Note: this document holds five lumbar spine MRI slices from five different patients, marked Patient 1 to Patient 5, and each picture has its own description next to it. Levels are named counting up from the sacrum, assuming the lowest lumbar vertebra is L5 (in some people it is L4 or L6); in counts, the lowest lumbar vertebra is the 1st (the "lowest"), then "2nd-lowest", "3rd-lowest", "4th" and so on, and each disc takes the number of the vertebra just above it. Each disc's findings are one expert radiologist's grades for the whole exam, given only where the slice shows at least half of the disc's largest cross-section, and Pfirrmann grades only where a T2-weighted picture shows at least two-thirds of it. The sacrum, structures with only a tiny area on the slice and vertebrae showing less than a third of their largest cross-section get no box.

Patient 1 of 5:
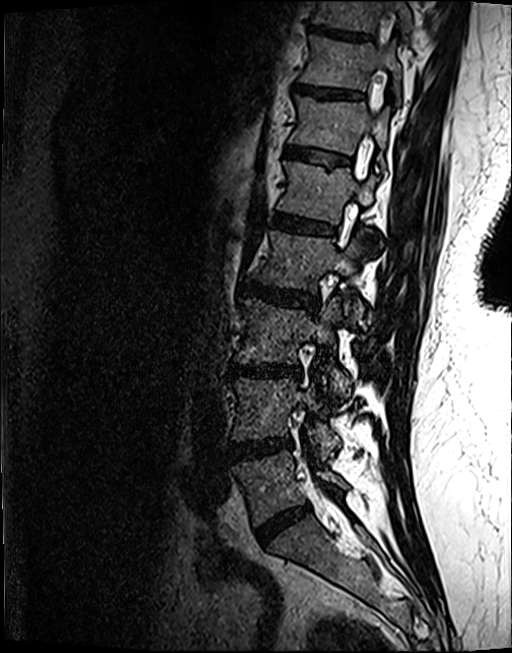 T2 SPACE (3D) sagittal MRI of the lumbar spine

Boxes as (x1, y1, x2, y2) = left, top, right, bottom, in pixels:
- T12 vertebra — (290, 95, 388, 168)
- L1 — (277, 161, 375, 222)
- L2 — (250, 228, 369, 320)
- L3 vertebra — (235, 297, 349, 395)
- T11 — (302, 35, 401, 95)
- L5/S1 — (256, 505, 309, 543)
- L4 vertebra — (231, 378, 339, 457)
- T12/L1 — (285, 146, 349, 163)
- T10 — (312, 0, 412, 32)
- IVD T10/T11 — (309, 24, 369, 40)
- L3/L4 — (230, 362, 300, 377)
- T11/T12 — (295, 84, 362, 97)
- L4/L5 — (229, 438, 291, 460)
- IVD L2/L3 — (241, 280, 318, 309)
- L5 vertebra — (232, 451, 347, 525)
- IVD L1/L2 — (274, 213, 334, 234)

Degenerative findings by level:
- L2/L3: Pfirrmann grade 4, disc bulging, upper-endplate change, lower-endplate change
- T11/T12: Pfirrmann grade 4, upper-endplate change
- L4/L5: Pfirrmann grade 4, lower-endplate change, Modic type II, disc bulging
- L1/L2: Pfirrmann grade 4, upper-endplate change, lower-endplate change, Modic type II
- T12/L1: Pfirrmann grade 3, upper-endplate change, lower-endplate change
- L5/S1: Pfirrmann grade 4, disc bulging, disc narrowing
- L3/L4: Pfirrmann grade 4, disc bulging, lower-endplate change, disc narrowing, upper-endplate change, Modic type II
- T10/T11: Pfirrmann grade 4, upper-endplate change, lower-endplate change

Patient 2 of 5:
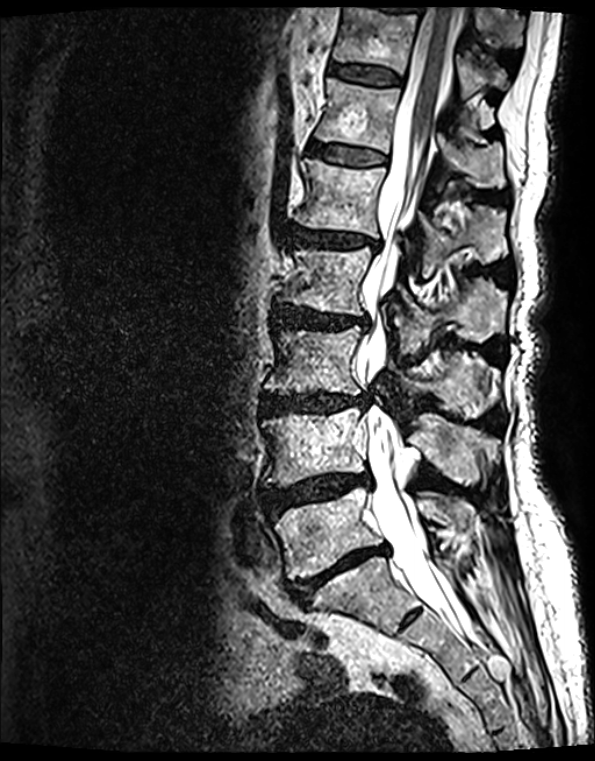 T2 SPACE (3D) sagittal MRI of the lumbar spine; Slice 66/139; Field of view 240x307 mm, slice spacing 0.9 mm

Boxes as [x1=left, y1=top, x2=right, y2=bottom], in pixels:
- thecal sac / spinal canal: [x1=360, y1=8, x2=468, y2=633]
- L5 vertebra: [x1=274, y1=487, x2=468, y2=579]
- IVD L2/L3: [x1=274, y1=309, x2=364, y2=329]
- T11: [x1=332, y1=8, x2=507, y2=99]
- L1/L2: [x1=292, y1=228, x2=372, y2=247]
- IVD L5/S1: [x1=291, y1=545, x2=386, y2=604]
- IVD L3/L4: [x1=262, y1=394, x2=366, y2=415]
- T12 vertebra: [x1=315, y1=80, x2=505, y2=187]
- L4 vertebra: [x1=262, y1=408, x2=497, y2=485]
- L4/L5: [x1=265, y1=474, x2=370, y2=515]
- L3 vertebra: [x1=265, y1=327, x2=499, y2=418]
- L2 vertebra: [x1=279, y1=248, x2=507, y2=353]
- IVD T11/T12: [x1=330, y1=65, x2=401, y2=85]
- T12/L1: [x1=309, y1=144, x2=383, y2=166]
- L1: [x1=298, y1=160, x2=507, y2=277]

Per-level radiological findings:
  L3/L4: Pfirrmann grade 4, disc narrowing, Modic type II, lower-endplate change, upper-endplate change, disc bulging
  L5/S1: Pfirrmann grade 5, Modic type II, upper-endplate change, disc narrowing, lower-endplate change, disc bulging
  T12/L1: Pfirrmann grade 2, lower-endplate change, Modic type II, upper-endplate change
  T11/T12: Pfirrmann grade 2, lower-endplate change, Modic type II, upper-endplate change
  L2/L3: Pfirrmann grade 4, Modic type II, upper-endplate change, disc bulging, lower-endplate change, disc narrowing
  L1/L2: Pfirrmann grade 4, disc bulging, upper-endplate change, lower-endplate change, Modic type II, disc narrowing
  L4/L5: Pfirrmann grade 4, disc narrowing, Modic type II, disc bulging, disc herniation, lower-endplate change, upper-endplate change

Patient 3 of 5:
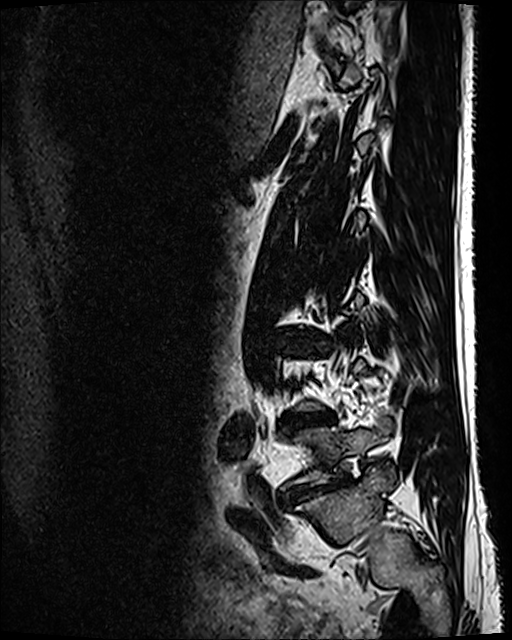 T2 SPACE (3D) sagittal MRI of the lumbar spine, Field of view 240x300 mm, slice spacing 0.9 mm

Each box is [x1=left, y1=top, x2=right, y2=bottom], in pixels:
{"disc L5/S1": "[x1=286, y1=480, x2=345, y2=499]", "disc L4/L5": "[x1=295, y1=413, x2=332, y2=425]", "L5": "[x1=283, y1=428, x2=383, y2=489]"}

Patient 4 of 5:
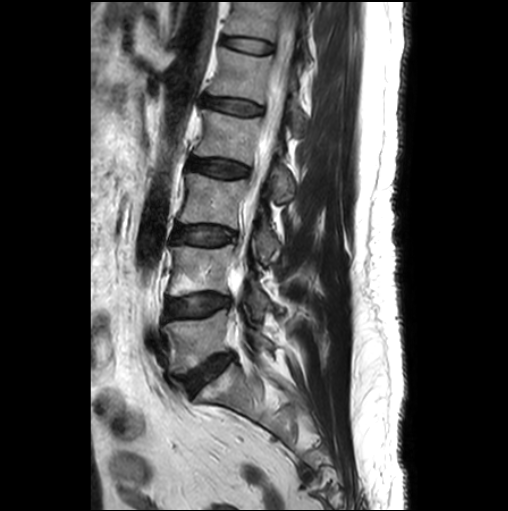 Slice spacing 3.3 mm, Sex M, Sagittal T2-weighted lumbar spine MRI, 508x511 px
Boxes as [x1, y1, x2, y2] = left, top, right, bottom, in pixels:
{"5th disc": "[204, 97, 262, 114]", "2nd-lowest vertebra": "[169, 245, 270, 317]", "3rd-lowest vertebra": "[179, 173, 278, 257]", "2nd-lowest disc": "[166, 294, 228, 317]", "lowest vertebra": "[165, 310, 271, 373]", "6th vertebra": "[225, 2, 310, 61]", "4th vertebra": "[194, 109, 295, 202]", "lowest disc": "[182, 354, 233, 394]", "thecal sac / spinal canal": "[234, 18, 294, 278]", "5th vertebra": "[209, 47, 304, 129]", "3rd-lowest disc": "[172, 226, 235, 245]", "4th disc": "[188, 158, 249, 177]", "6th disc": "[222, 36, 274, 52]"}

Expert MSK radiologist gradings (per disc):
- 6th disc: Pfirrmann grade 1
- 2nd-lowest disc: Pfirrmann grade 2, Modic type II
- lowest disc: Pfirrmann grade 3, Modic type II, disc bulging
- 3rd-lowest disc: Pfirrmann grade 2
- 5th disc: Pfirrmann grade 2
- 4th disc: Pfirrmann grade 3

Patient 5 of 5:
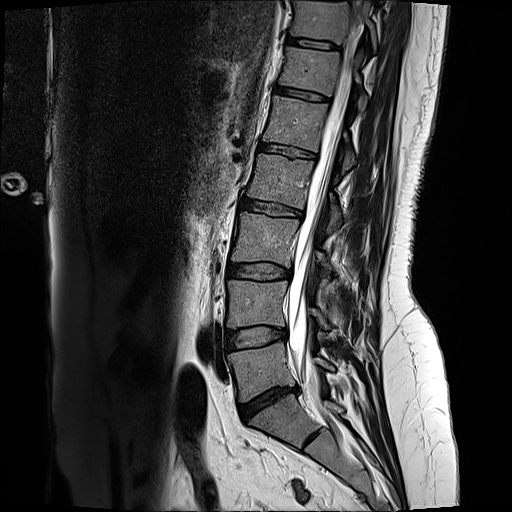 Sagittal T2-weighted lumbar spine MRI
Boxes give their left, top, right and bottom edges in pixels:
Structures:
• T11 = left=293, top=3, right=376, bottom=46
• L4 = left=228, top=280, right=327, bottom=330
• disc T11/T12 = left=287, top=39, right=337, bottom=49
• disc T12/L1 = left=276, top=86, right=329, bottom=103
• L1/L2 = left=260, top=143, right=316, bottom=158
• disc L3/L4 = left=228, top=263, right=286, bottom=279
• L3 vertebra = left=233, top=213, right=330, bottom=278
• L5/S1 = left=240, top=389, right=295, bottom=421
• L4/L5 = left=226, top=327, right=285, bottom=350
• L5 vertebra = left=230, top=340, right=333, bottom=400
• L2 vertebra = left=248, top=154, right=341, bottom=233
• thecal sac / spinal canal = left=289, top=6, right=361, bottom=381
• L1 = left=265, top=96, right=354, bottom=173
• disc L2/L3 = left=241, top=199, right=303, bottom=218
• T12 = left=281, top=47, right=366, bottom=111

Degenerative findings by level:
• L5/S1: Pfirrmann grade 1, disc herniation, disc bulging, disc narrowing
• T11/T12: Pfirrmann grade 2
• L3/L4: Pfirrmann grade 2, disc bulging
• L2/L3: Pfirrmann grade 4, disc bulging, lower-endplate change, upper-endplate change
• L4/L5: Pfirrmann grade 2, disc bulging
• T12/L1: Pfirrmann grade 2, upper-endplate change, lower-endplate change
• L1/L2: Pfirrmann grade 2, lower-endplate change, upper-endplate change